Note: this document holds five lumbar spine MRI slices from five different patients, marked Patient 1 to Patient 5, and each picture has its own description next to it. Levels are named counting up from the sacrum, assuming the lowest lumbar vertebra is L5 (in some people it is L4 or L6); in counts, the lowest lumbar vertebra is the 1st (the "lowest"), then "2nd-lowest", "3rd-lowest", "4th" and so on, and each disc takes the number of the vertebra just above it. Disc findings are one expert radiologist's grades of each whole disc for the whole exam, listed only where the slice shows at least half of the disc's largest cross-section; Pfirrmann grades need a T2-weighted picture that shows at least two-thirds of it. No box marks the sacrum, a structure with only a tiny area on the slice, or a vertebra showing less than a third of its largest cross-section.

Patient 1 of 5:
Scanner: Philips Healthcare Ingenia (3T), Sagittal slice index 15, MRI lumbar spine (T1-weighted), sagittal plane, Sex F

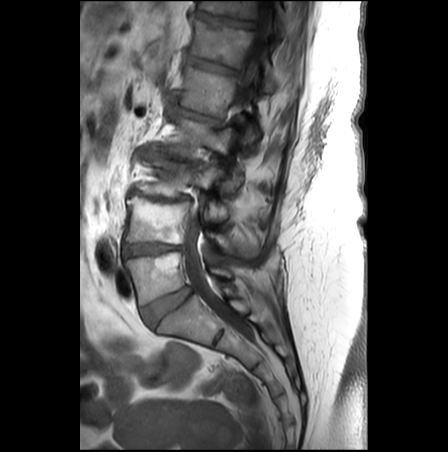

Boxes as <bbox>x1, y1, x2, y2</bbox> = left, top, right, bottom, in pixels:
L3/L4 at <bbox>128, 188, 192, 201</bbox>.
Thecal sac / spinal canal at <bbox>185, 0, 275, 335</bbox>.
L4 vertebra at <bbox>124, 197, 254, 255</bbox>.
T11/T12 at <bbox>196, 11, 256, 28</bbox>.
T12 at <bbox>189, 19, 274, 91</bbox>.
L5/S1 at <bbox>142, 287, 191, 326</bbox>.
L5 vertebra at <bbox>125, 252, 232, 305</bbox>.
L3 vertebra at <bbox>137, 157, 234, 220</bbox>.
IVD L1/L2 at <bbox>178, 105, 219, 124</bbox>.
IVD L4/L5 at <bbox>122, 244, 181, 257</bbox>.
T12/L1 at <bbox>186, 53, 239, 74</bbox>.
L2 vertebra at <bbox>161, 118, 242, 187</bbox>.
IVD L2/L3 at <bbox>152, 152, 199, 166</bbox>.
L1 vertebra at <bbox>180, 64, 258, 142</bbox>.
T11 vertebra at <bbox>199, 1, 287, 32</bbox>.

Radiological gradings:
  T12/L1: lower-endplate change, Modic type II, upper-endplate change
  L3/L4: upper-endplate change, lower-endplate change, disc bulging, disc narrowing, Modic type II
  L1/L2: upper-endplate change, spondylolisthesis, Modic type II, lower-endplate change, disc narrowing, disc bulging
  T11/T12: lower-endplate change, upper-endplate change
  L4/L5: lower-endplate change, disc narrowing, Modic type II, upper-endplate change, disc bulging
  L5/S1: no herniation, bulging, narrowing, spondylolisthesis, endplate or Modic change recorded

Patient 2 of 5:
MRI lumbar spine (T1-weighted), sagittal plane, Image 1089x1120, Sagittal slice index 25, Philips Healthcare Ingenia (3T) 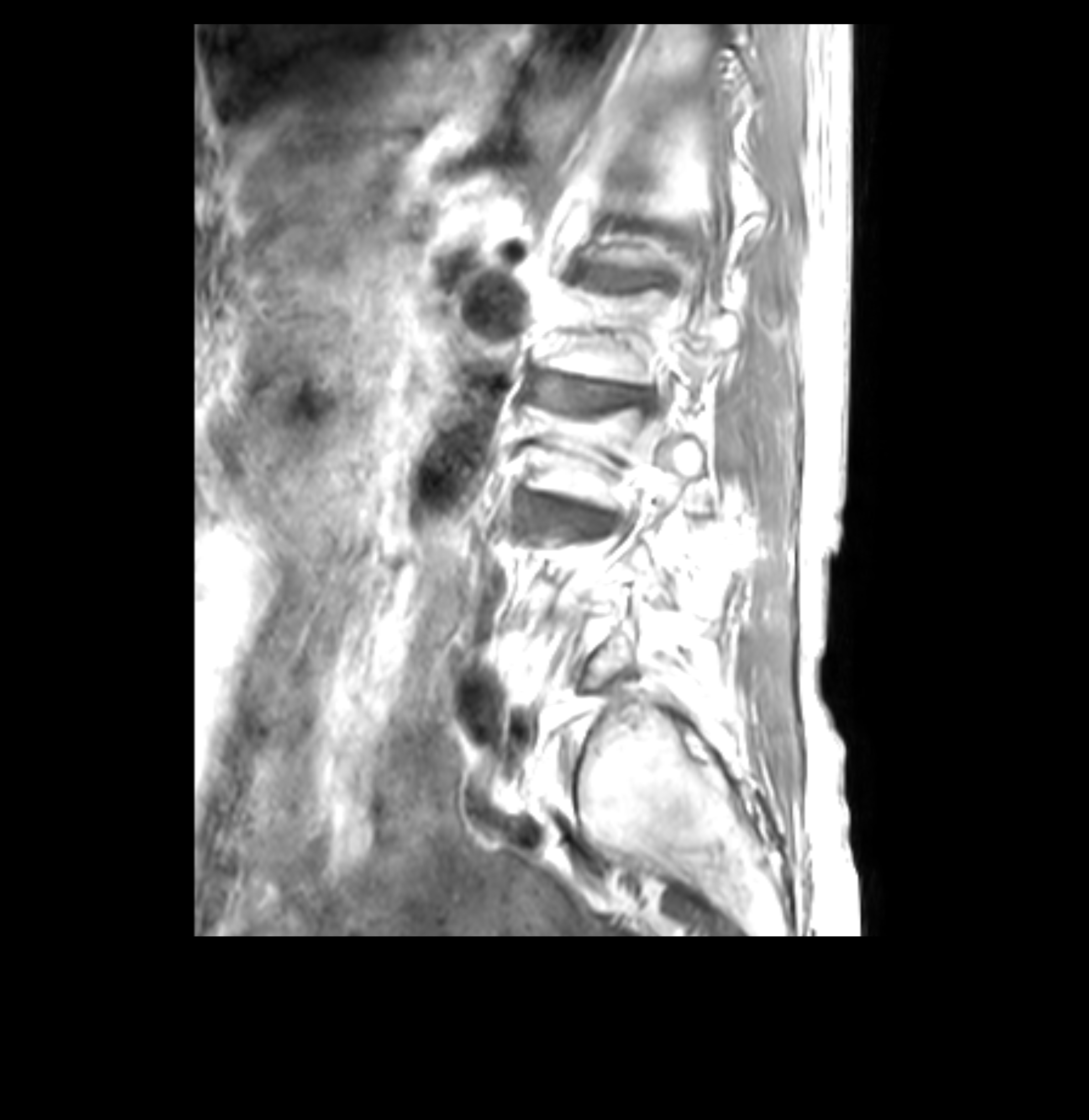 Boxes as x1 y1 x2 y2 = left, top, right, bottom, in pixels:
3rd-lowest vertebra — 523 403 705 511 | 4th vertebra — 540 289 746 384 | 5th disc — 584 270 671 290 | 3rd-lowest disc — 518 494 554 508 | 4th disc — 535 375 653 410

Radiological gradings:
- 4th disc: disc bulging, upper-endplate change, disc narrowing, lower-endplate change, Modic type II

Patient 3 of 5:
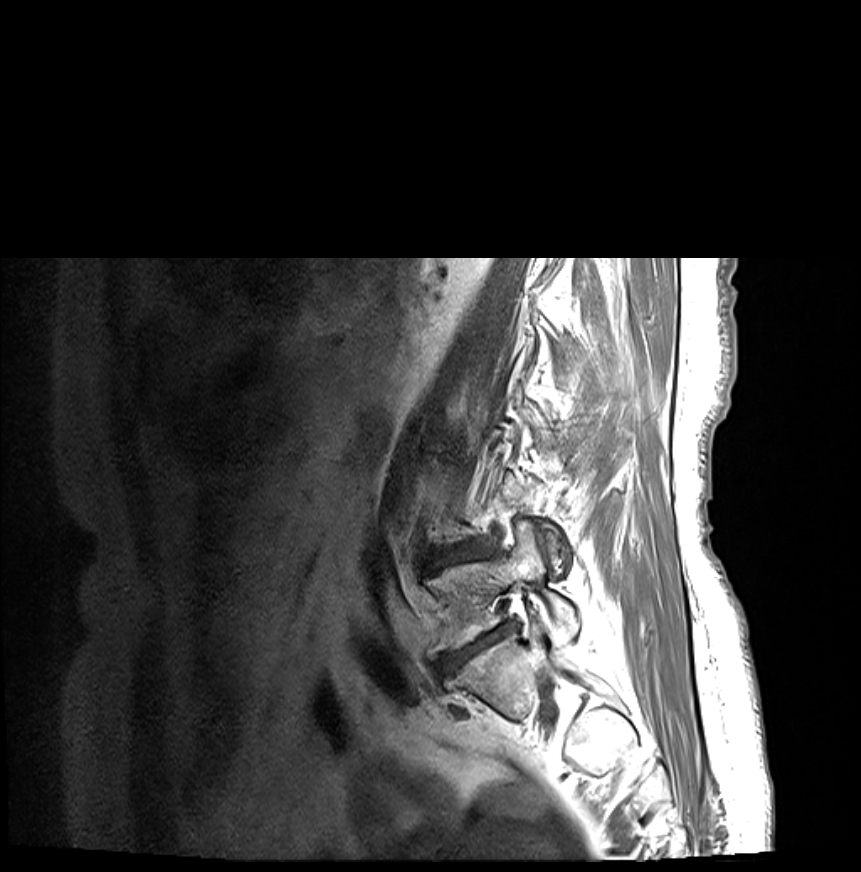

Patient sex: F; Slice 5/27; 861x872 px; Sagittal T1-weighted lumbar spine MRI

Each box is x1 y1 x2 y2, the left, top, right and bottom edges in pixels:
{"disc L5/S1 (lowest disc)": "439 624 510 673", "disc L4/L5 (2nd-lowest disc)": "435 545 480 563", "L5 (lowest vertebra)": "427 521 579 649"}

Radiological gradings:
  L5/S1 (lowest disc): disc narrowing, Modic type II, upper-endplate change, lower-endplate change, disc bulging

Patient 4 of 5:
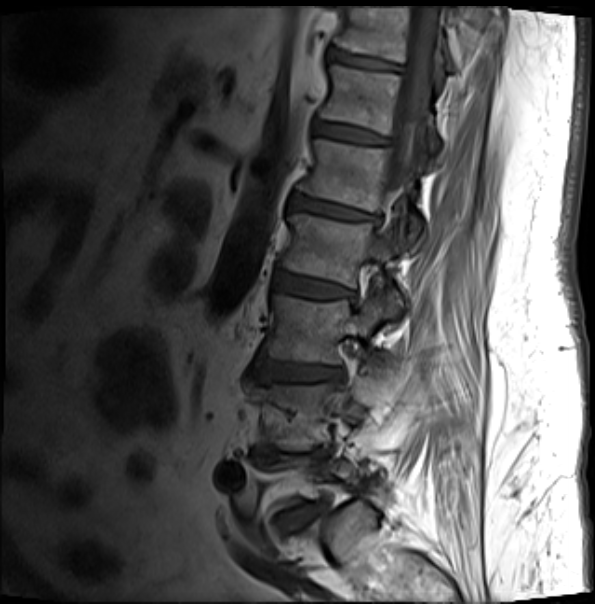 Sagittal T1-weighted lumbar spine MRI

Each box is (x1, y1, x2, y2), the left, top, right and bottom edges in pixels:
Structures:
• disc L3/L4: (255, 359, 343, 380)
• T12 vertebra: (320, 65, 440, 154)
• L3 vertebra: (262, 293, 399, 365)
• L2/L3: (274, 271, 354, 297)
• disc T11/T12: (327, 49, 401, 71)
• L1 vertebra: (296, 139, 421, 243)
• L5/S1: (279, 505, 317, 533)
• T11: (333, 7, 455, 71)
• thecal sac / spinal canal: (372, 6, 440, 247)
• T12/L1: (314, 123, 386, 144)
• disc L1/L2: (290, 195, 377, 220)
• L4/L5: (259, 447, 330, 460)
• L4: (266, 369, 384, 450)
• L2 vertebra: (279, 214, 392, 288)

Per-level radiological findings:
  T12/L1: Modic type II, upper-endplate change, lower-endplate change
  T11/T12: disc bulging, Modic type II, upper-endplate change, lower-endplate change
  L1/L2: disc bulging, lower-endplate change, upper-endplate change, Modic type II
  L4/L5: Modic type II, lower-endplate change, disc narrowing, disc bulging, upper-endplate change
  L2/L3: lower-endplate change, disc bulging, Modic type II, upper-endplate change
  L3/L4: disc narrowing, lower-endplate change, upper-endplate change, Modic type II, disc bulging

Patient 5 of 5:
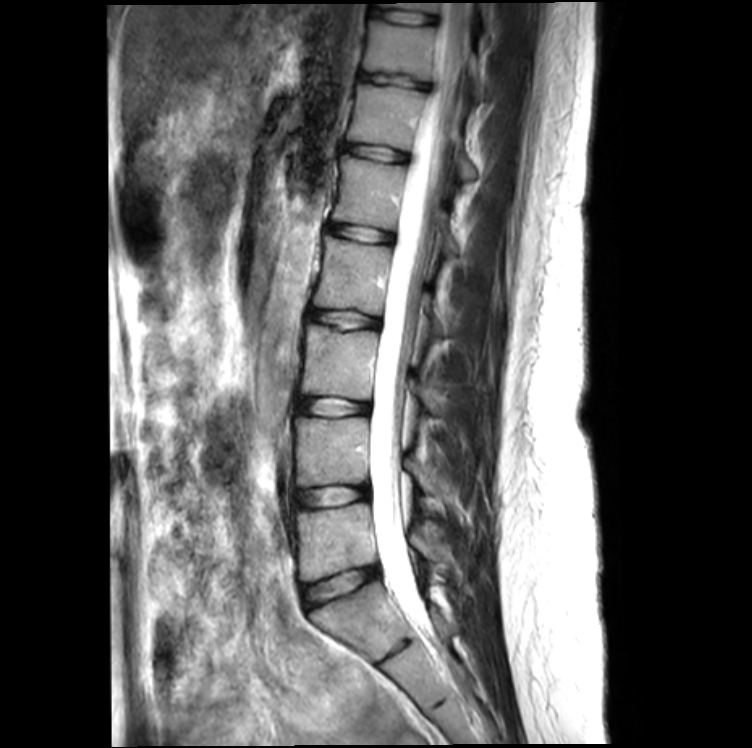 Lumbar spine MR, T2-weighted, sagittal. Patient sex: F. 752x748 px.
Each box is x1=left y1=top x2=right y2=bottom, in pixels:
L4/L5: x1=294 y1=485 x2=368 y2=507
disc T11/T12: x1=359 y1=72 x2=428 y2=88
T12/L1: x1=343 y1=144 x2=407 y2=162
L2/L3: x1=307 y1=309 x2=378 y2=329
spinal canal: x1=369 y1=3 x2=471 y2=617
L1 vertebra: x1=332 y1=154 x2=459 y2=256
L2: x1=314 y1=237 x2=447 y2=336
L4: x1=294 y1=417 x2=437 y2=493
L3 vertebra: x1=301 y1=324 x2=439 y2=413
L5: x1=288 y1=503 x2=460 y2=581
T10 vertebra: x1=380 y1=3 x2=493 y2=21
disc L3/L4: x1=296 y1=396 x2=368 y2=415
T11 vertebra: x1=362 y1=20 x2=483 y2=99
T12: x1=346 y1=84 x2=475 y2=179
L5/S1: x1=303 y1=566 x2=378 y2=608
L1/L2: x1=327 y1=223 x2=392 y2=242
disc T10/T11: x1=371 y1=7 x2=436 y2=24

Degenerative findings by level:
- L4/L5: Pfirrmann grade 2
- L3/L4: Pfirrmann grade 2
- L2/L3: Pfirrmann grade 2
- T11/T12: Pfirrmann grade 2, disc bulging, lower-endplate change
- L5/S1: Pfirrmann grade 2, lower-endplate change
- T10/T11: Pfirrmann grade 2
- T12/L1: Pfirrmann grade 2
- L1/L2: Pfirrmann grade 2